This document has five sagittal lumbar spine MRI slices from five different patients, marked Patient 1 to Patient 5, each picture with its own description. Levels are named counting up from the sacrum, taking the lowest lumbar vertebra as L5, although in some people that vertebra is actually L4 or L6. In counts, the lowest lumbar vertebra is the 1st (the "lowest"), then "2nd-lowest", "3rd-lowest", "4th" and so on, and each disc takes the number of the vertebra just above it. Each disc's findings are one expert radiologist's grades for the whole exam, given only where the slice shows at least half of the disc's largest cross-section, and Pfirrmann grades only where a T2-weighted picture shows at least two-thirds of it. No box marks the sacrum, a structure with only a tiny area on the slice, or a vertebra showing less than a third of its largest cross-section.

Patient 1 of 5:
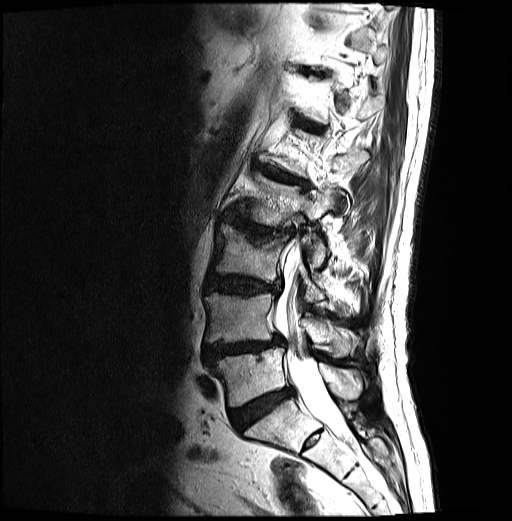 MRI lumbar spine (T2-weighted), sagittal plane
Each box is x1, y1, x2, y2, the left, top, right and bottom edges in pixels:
{"IVD L3/L4": "205, 275, 280, 294", "spinal canal": "273, 247, 348, 438", "L4/L5": "204, 335, 283, 364", "L5 vertebra": "214, 348, 362, 406", "T12/L1": "300, 121, 319, 131", "L2/L3": "224, 213, 294, 237", "L4": "205, 292, 359, 357", "L5/S1": "230, 388, 292, 429", "L3": "212, 224, 348, 314", "IVD L1/L2": "257, 165, 308, 188", "L2": "235, 172, 338, 267"}

Radiological gradings:
• L4/L5: Pfirrmann grade 4, Modic type II, lower-endplate change, spondylolisthesis, upper-endplate change, disc herniation, disc narrowing, disc bulging
• L3/L4: Pfirrmann grade 4, upper-endplate change, disc bulging, lower-endplate change
• L2/L3: Pfirrmann grade 4, disc narrowing, Modic type I, upper-endplate change, disc bulging, lower-endplate change
• L5/S1: Pfirrmann grade 4
• L1/L2: Modic type II, upper-endplate change, lower-endplate change, disc bulging

Patient 2 of 5:
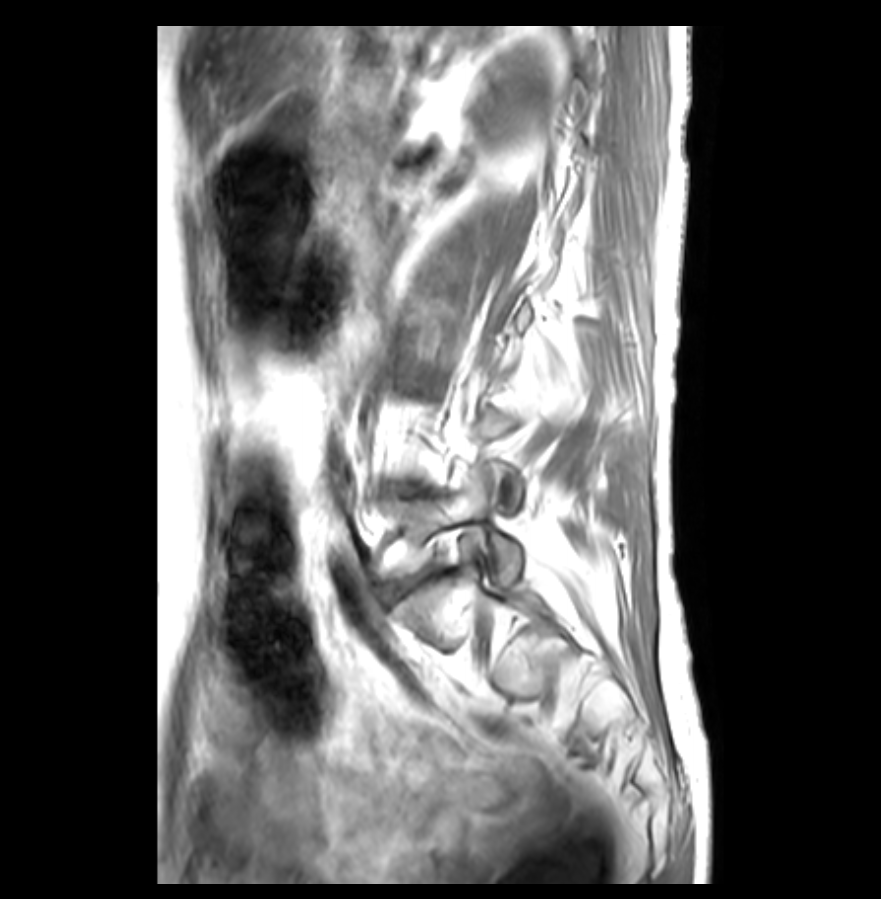 Slice spacing 3.3 mm. Lumbar spine MR, T1-weighted, sagittal.
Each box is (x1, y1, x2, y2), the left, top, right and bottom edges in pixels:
Lowest disc at (387, 578, 420, 602), lowest vertebra at (386, 468, 522, 583), 2nd-lowest disc at (389, 484, 418, 494).

Patient 3 of 5:
Slice 3 of 14, MRI lumbar spine (T2-weighted), sagittal plane 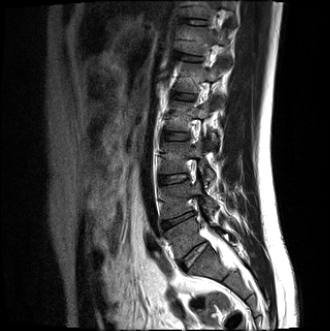
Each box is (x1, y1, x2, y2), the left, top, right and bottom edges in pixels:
Lowest vertebra at (166, 218, 221, 257).
5th vertebra at (174, 62, 224, 105).
4th vertebra at (165, 99, 217, 143).
6th vertebra at (183, 25, 228, 54).
7th vertebra at (186, 1, 234, 25).
7th disc at (186, 20, 204, 24).
Lowest disc at (179, 243, 206, 268).
3rd-lowest disc at (159, 174, 187, 183).
3rd-lowest vertebra at (161, 140, 214, 181).
6th disc at (181, 55, 199, 61).
4th disc at (163, 131, 188, 140).
2nd-lowest disc at (162, 212, 194, 229).
2nd-lowest vertebra at (161, 180, 217, 218).
5th disc at (174, 93, 194, 100).

Radiological gradings:
  2nd-lowest disc: lower-endplate change, Modic type II, disc narrowing, disc herniation, upper-endplate change
  lowest disc: Pfirrmann grade 2, disc bulging
  3rd-lowest disc: Pfirrmann grade 2
  7th disc, 6th disc, 5th disc, 4th disc: no Modic or endplate change, herniation, narrowing, bulging or spondylolisthesis recorded

Patient 4 of 5:
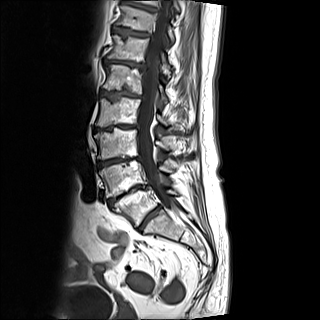

Slice 8 of 15; MRI lumbar spine (T1-weighted), sagittal plane; Field of view 300x300 mm
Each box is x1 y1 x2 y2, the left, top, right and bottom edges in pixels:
• disc L4/L5 (2nd-lowest disc): 108 185 147 207
• T11 (7th vertebra): 116 5 174 43
• spinal canal: 139 0 178 212
• L2 (4th vertebra): 95 97 168 126
• disc L3/L4 (3rd-lowest disc): 97 157 140 167
• disc T10/T11 (8th disc): 121 0 156 11
• L5 (lowest vertebra): 113 189 176 226
• L2/L3 (4th disc): 93 124 137 132
• L1 (5th vertebra): 103 64 168 102
• T10 (8th vertebra): 133 0 180 13
• T12 (6th vertebra): 108 35 170 76
• disc T11/T12 (7th disc): 113 26 149 37
• L5/S1 (lowest disc): 138 205 161 230
• T12/L1 (6th disc): 104 58 146 68
• L3 (3rd-lowest vertebra): 94 127 172 159
• L1/L2 (5th disc): 101 90 142 100
• L4 (2nd-lowest vertebra): 99 160 172 196

Degenerative findings by level:
• L5/S1 (lowest disc): disc bulging, disc narrowing, lower-endplate change, Modic type II, upper-endplate change
• L3/L4 (3rd-lowest disc): Modic type II, lower-endplate change, upper-endplate change, disc narrowing, disc bulging
• T12/L1 (6th disc): upper-endplate change, Modic type II, disc narrowing, lower-endplate change, disc bulging
• T10/T11 (8th disc): disc bulging
• L4/L5 (2nd-lowest disc): lower-endplate change, disc bulging, disc narrowing, Modic type II, upper-endplate change
• T11/T12 (7th disc): Modic type II, upper-endplate change, disc bulging, lower-endplate change
• L2/L3 (4th disc): upper-endplate change, disc narrowing, Modic type II, lower-endplate change, disc bulging
• L1/L2 (5th disc): lower-endplate change, disc narrowing, disc bulging, upper-endplate change, Modic type II

Patient 5 of 5:
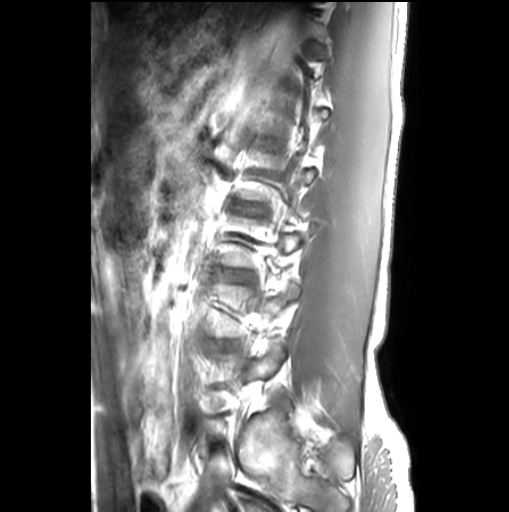 Field of view 280x281 mm | Sex M | MRI lumbar spine (T1-weighted), sagittal plane | Image 509x512

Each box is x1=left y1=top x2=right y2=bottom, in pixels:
3rd-lowest disc at x1=222 y1=270 x2=248 y2=281, 4th disc at x1=233 y1=200 x2=263 y2=213.